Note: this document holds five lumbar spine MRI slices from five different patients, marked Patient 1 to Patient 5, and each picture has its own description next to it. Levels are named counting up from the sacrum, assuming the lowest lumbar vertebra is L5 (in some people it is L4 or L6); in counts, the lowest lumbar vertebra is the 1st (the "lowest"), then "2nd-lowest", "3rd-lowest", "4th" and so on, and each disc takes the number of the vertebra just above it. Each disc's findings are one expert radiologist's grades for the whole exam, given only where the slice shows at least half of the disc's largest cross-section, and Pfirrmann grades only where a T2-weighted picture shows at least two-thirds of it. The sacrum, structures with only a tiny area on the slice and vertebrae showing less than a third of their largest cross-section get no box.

Patient 1 of 5:
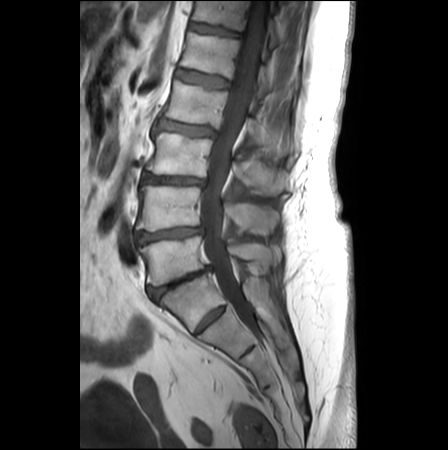
T1-weighted sagittal MRI of the lumbar spine. 448x450 px. Slice spacing 3.3 mm.

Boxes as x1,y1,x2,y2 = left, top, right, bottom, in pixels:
{"spinal canal": "200,1,265,320", "L2/L3": "157,119,215,136", "T12 vertebra": "192,1,280,47", "IVD L1/L2": "176,69,228,87", "L3/L4": "143,173,203,185", "IVD T12/L1": "190,22,238,36", "L5 vertebra": "140,235,273,284", "L2": "165,81,292,154", "L4": "137,186,278,233", "IVD L5/S1": "148,266,212,299", "L4/L5": "136,226,202,243", "L3": "146,133,290,194", "L1": "180,32,295,100"}

Expert MSK radiologist gradings (per disc):
• L3/L4: upper-endplate change, disc bulging, Modic type II, disc narrowing, lower-endplate change
• T12/L1: lower-endplate change
• L2/L3: Modic type II, disc bulging, lower-endplate change, disc narrowing, upper-endplate change
• L4/L5: disc bulging, upper-endplate change, Modic type II, disc narrowing, lower-endplate change
• L5/S1: Modic type II, upper-endplate change, lower-endplate change, disc narrowing, disc bulging
• L1/L2: no herniation, bulging, narrowing, spondylolisthesis, endplate or Modic change recorded

Patient 2 of 5:
Sex F | Image 603x610 | Slice 4/19 | Lumbar spine MR, T2-weighted, sagittal

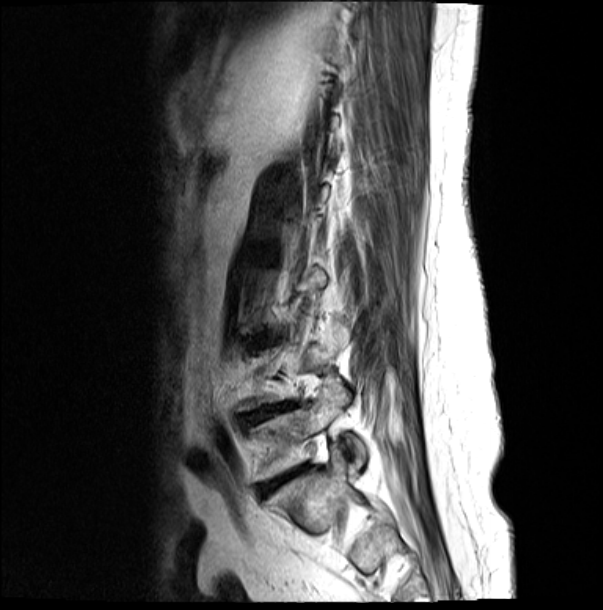 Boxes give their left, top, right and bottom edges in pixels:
L4/L5 (2nd-lowest disc) at left=248, top=407, right=272, bottom=420; L5 (lowest vertebra) at left=251, top=382, right=365, bottom=479; disc L5/S1 (lowest disc) at left=262, top=467, right=305, bottom=492.

Patient 3 of 5:
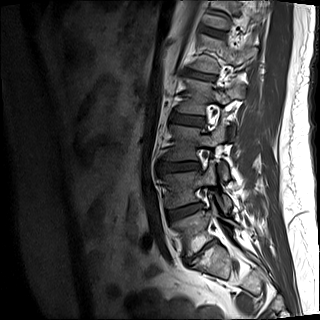 Field of view 280x280 mm, slice spacing 4.8 mm | MRI lumbar spine (T1-weighted), sagittal plane | Slice 4/15
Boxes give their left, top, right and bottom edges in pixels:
L1/L2 — left=185, top=71, right=215, bottom=80 | intervertebral disc L4/L5 — left=169, top=203, right=202, bottom=222 | L2/L3 — left=171, top=114, right=204, bottom=126 | L5/S1 — left=193, top=240, right=215, bottom=257 | L3/L4 — left=160, top=162, right=197, bottom=172 | L2 vertebra — left=178, top=78, right=244, bottom=139 | L3 vertebra — left=167, top=125, right=228, bottom=180 | L4 — left=165, top=162, right=231, bottom=212 | L5 vertebra — left=173, top=200, right=239, bottom=255 | intervertebral disc T12/L1 — left=204, top=28, right=223, bottom=36

Degenerative findings by level:
- L1/L2: upper-endplate change
- L4/L5: disc narrowing, lower-endplate change, disc bulging
- L3/L4: disc bulging
- L5/S1: Modic type II, lower-endplate change, upper-endplate change, disc narrowing, disc bulging
- L2/L3: no spondylolisthesis, narrowing, bulging, herniation, Modic or endplate change recorded

Patient 4 of 5:
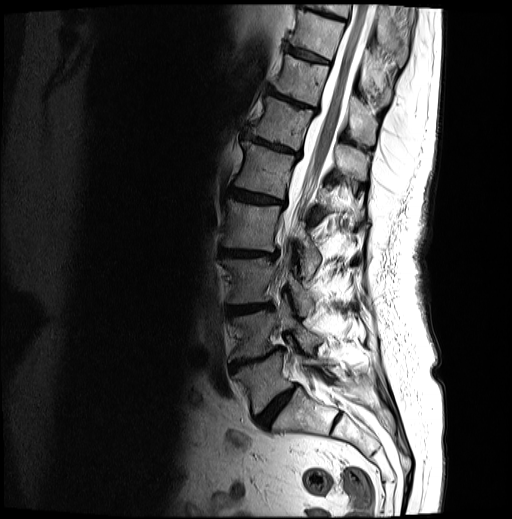 Slice 11 of 27 | Slice spacing 3.2 mm | T2-weighted sagittal MRI of the lumbar spine | Sex F

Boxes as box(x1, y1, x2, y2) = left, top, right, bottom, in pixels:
Intervertebral disc T12/L1 at box(242, 128, 299, 156).
L2 at box(223, 200, 320, 276).
T11 at box(273, 55, 377, 145).
L5 vertebra at box(234, 351, 330, 413).
L4 vertebra at box(231, 299, 322, 359).
L3 at box(223, 252, 314, 315).
T10 at box(291, 10, 391, 103).
L1 vertebra at box(234, 141, 362, 216).
Intervertebral disc T11/T12 at box(266, 87, 316, 110).
L1/L2 at box(229, 188, 284, 205).
L2/L3 at box(221, 249, 277, 259).
Intervertebral disc L5/S1 at box(256, 385, 296, 428).
Thecal sac / spinal canal at box(282, 4, 374, 382).
Intervertebral disc T10/T11 at box(288, 47, 328, 63).
L4/L5 at box(231, 347, 282, 369).
L3/L4 at box(228, 303, 272, 314).
T9 vertebra at box(307, 3, 407, 60).
T9/T10 at box(298, 3, 345, 21).
T12 at box(250, 96, 368, 178).

Expert MSK radiologist gradings (per disc):
  T10/T11: Pfirrmann grade 4, lower-endplate change, upper-endplate change, Modic type II
  L1/L2: Pfirrmann grade 4, disc bulging, Modic type II, disc narrowing, lower-endplate change, upper-endplate change
  L5/S1: Pfirrmann grade 4, disc narrowing, disc bulging
  T12/L1: Pfirrmann grade 4, upper-endplate change, lower-endplate change, Modic type II, disc narrowing, disc bulging
  L3/L4: lower-endplate change, upper-endplate change, disc narrowing, Modic type II, disc bulging
  L4/L5: disc narrowing, upper-endplate change, lower-endplate change, Modic type II, disc bulging
  T11/T12: Pfirrmann grade 5, lower-endplate change, upper-endplate change, Modic type II, disc bulging, disc narrowing
  T9/T10: Modic type II, upper-endplate change, disc bulging, lower-endplate change
  L2/L3: Pfirrmann grade 4, disc narrowing, upper-endplate change, Modic type II, lower-endplate change, disc bulging

Patient 5 of 5:
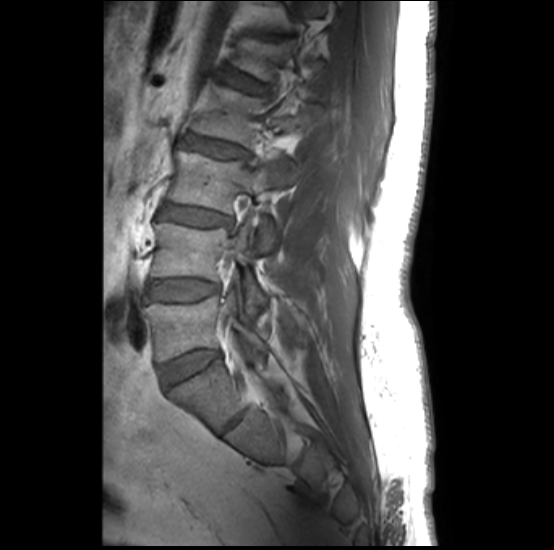

T1-weighted sagittal MRI of the lumbar spine. Patient sex: M. Sagittal slice index 11.
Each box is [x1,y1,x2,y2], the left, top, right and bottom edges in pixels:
L2 (4th vertebra) at [193,80,304,183], L4 (2nd-lowest vertebra) at [152,223,263,312], L3 (3rd-lowest vertebra) at [170,150,276,238], L4/L5 (2nd-lowest disc) at [151,281,216,300], L2/L3 (4th disc) at [178,135,249,158], intervertebral disc L3/L4 (3rd-lowest disc) at [160,204,231,226], L5/S1 (lowest disc) at [162,351,218,386], L5 (lowest vertebra) at [146,293,266,361], L1/L2 (5th disc) at [220,70,265,94].

Radiological gradings:
- L2/L3 (4th disc): lower-endplate change, upper-endplate change, Modic type II
- L3/L4 (3rd-lowest disc): lower-endplate change, upper-endplate change, Modic type II
- L4/L5 (2nd-lowest disc): lower-endplate change, Modic type II, upper-endplate change
- L5/S1 (lowest disc): no spondylolisthesis, narrowing, bulging, herniation, Modic or endplate change recorded